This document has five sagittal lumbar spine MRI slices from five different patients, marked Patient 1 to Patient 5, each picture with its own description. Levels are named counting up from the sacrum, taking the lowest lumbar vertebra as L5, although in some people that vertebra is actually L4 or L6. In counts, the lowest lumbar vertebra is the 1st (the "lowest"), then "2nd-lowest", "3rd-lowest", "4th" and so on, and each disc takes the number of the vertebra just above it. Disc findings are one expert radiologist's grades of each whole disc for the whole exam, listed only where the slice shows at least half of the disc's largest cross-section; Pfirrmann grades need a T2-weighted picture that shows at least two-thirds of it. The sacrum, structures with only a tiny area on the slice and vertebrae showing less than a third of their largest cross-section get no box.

Patient 1 of 5:
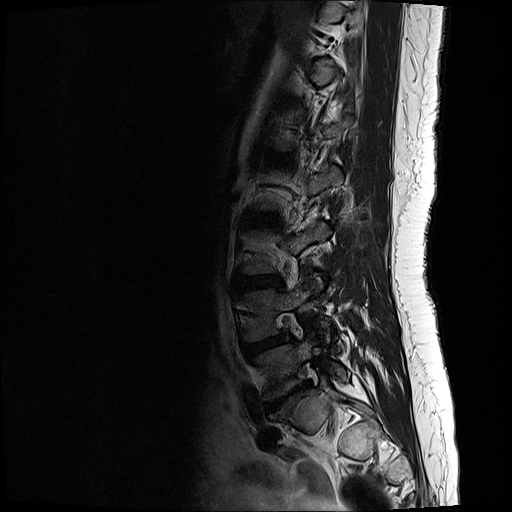 Patient sex: F. Field of view 300x300 mm. Slice 16 of 17. MRI lumbar spine (T2-weighted), sagittal plane.
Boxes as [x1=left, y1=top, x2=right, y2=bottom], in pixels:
{"IVD L3/L4": "[x1=238, y1=275, x2=278, y2=285]", "IVD L5/S1": "[x1=266, y1=383, x2=307, y2=410]", "L5 vertebra": "[x1=259, y1=341, x2=346, y2=399]", "L4/L5": "[x1=245, y1=334, x2=285, y2=355]", "IVD L2/L3": "[x1=253, y1=214, x2=273, y2=221]"}

Patient 2 of 5:
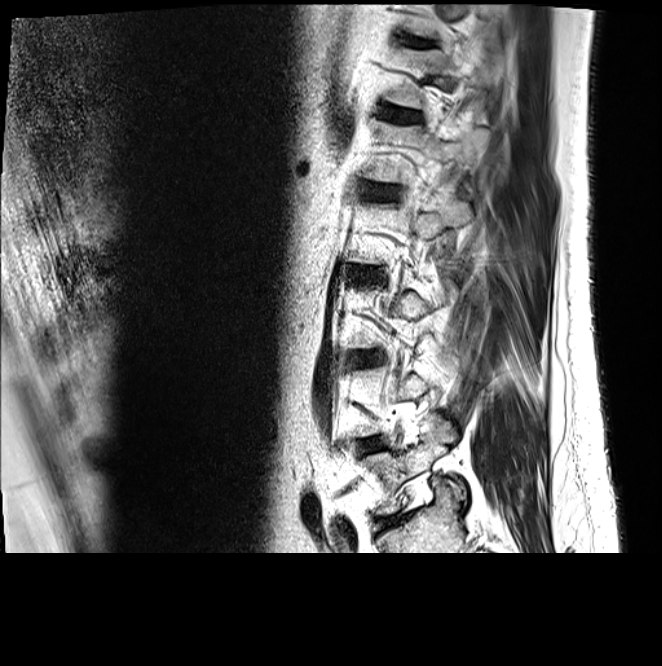 MRI lumbar spine (T2-weighted), sagittal plane, Image 662x666, Slice 18/21
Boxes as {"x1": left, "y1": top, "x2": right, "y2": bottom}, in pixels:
L3/L4: {"x1": 347, "y1": 352, "x2": 382, "y2": 365}.
Intervertebral disc L4/L5: {"x1": 358, "y1": 436, "x2": 387, "y2": 451}.
Intervertebral disc L2/L3: {"x1": 349, "y1": 267, "x2": 381, "y2": 280}.
L1 vertebra: {"x1": 362, "y1": 118, "x2": 488, "y2": 182}.
L5 vertebra: {"x1": 361, "y1": 414, "x2": 467, "y2": 516}.
T11/T12: {"x1": 402, "y1": 34, "x2": 434, "y2": 47}.
T12/L1: {"x1": 379, "y1": 104, "x2": 421, "y2": 121}.
Intervertebral disc L5/S1: {"x1": 380, "y1": 514, "x2": 405, "y2": 530}.
L1/L2: {"x1": 362, "y1": 185, "x2": 395, "y2": 199}.

Radiological gradings:
• T12/L1: no Modic or endplate change, herniation, narrowing, bulging or spondylolisthesis recorded

Patient 3 of 5:
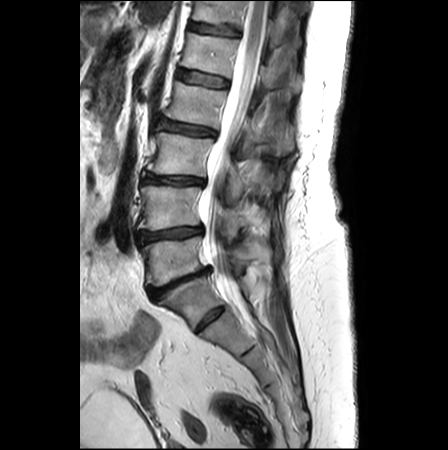
Image 448x450, Sex F, T2-weighted sagittal MRI of the lumbar spine
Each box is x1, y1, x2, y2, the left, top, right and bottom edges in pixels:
Spinal canal = 201, 1, 268, 302.
IVD L1/L2 = 178, 69, 228, 87.
L4 = 139, 186, 243, 242.
IVD L4/L5 = 137, 226, 202, 243.
IVD T12/L1 = 190, 22, 238, 35.
L2/L3 = 157, 117, 215, 136.
L3 = 147, 133, 246, 204.
T12 = 193, 1, 297, 47.
L5 = 142, 236, 252, 285.
L3/L4 = 143, 174, 203, 183.
L1 vertebra = 181, 33, 300, 97.
IVD L5/S1 = 149, 267, 210, 299.
L2 vertebra = 165, 82, 293, 157.

Degenerative findings by level:
• L5/S1: Pfirrmann grade 5, Modic type II, disc bulging, disc narrowing, upper-endplate change, lower-endplate change
• L4/L5: Pfirrmann grade 3, disc bulging, lower-endplate change, upper-endplate change, disc narrowing, Modic type II
• T12/L1: Pfirrmann grade 2, lower-endplate change
• L1/L2: Pfirrmann grade 1
• L3/L4: Pfirrmann grade 3, lower-endplate change, Modic type II, upper-endplate change, disc bulging, disc narrowing
• L2/L3: Pfirrmann grade 2, lower-endplate change, disc bulging, Modic type II, disc narrowing, upper-endplate change

Patient 4 of 5:
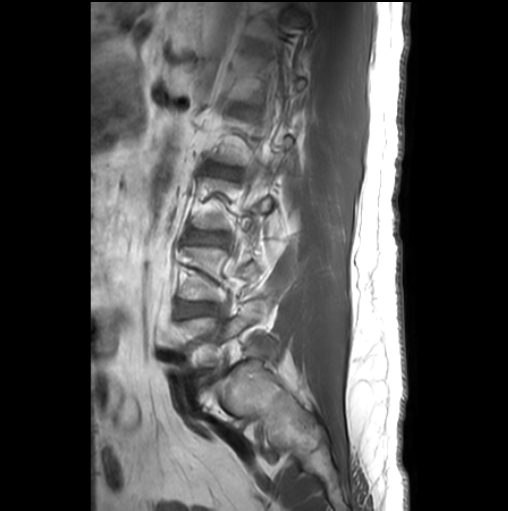
Sagittal slice index 20, Field of view 280x281 mm, Sagittal T1-weighted lumbar spine MRI
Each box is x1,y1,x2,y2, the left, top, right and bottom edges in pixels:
L2/L3 (4th disc) — 207,165,240,176.
L3/L4 (3rd-lowest disc) — 188,231,225,243.
L4/L5 (2nd-lowest disc) — 179,302,212,316.
L5 (lowest vertebra) — 180,299,268,366.

Patient 5 of 5:
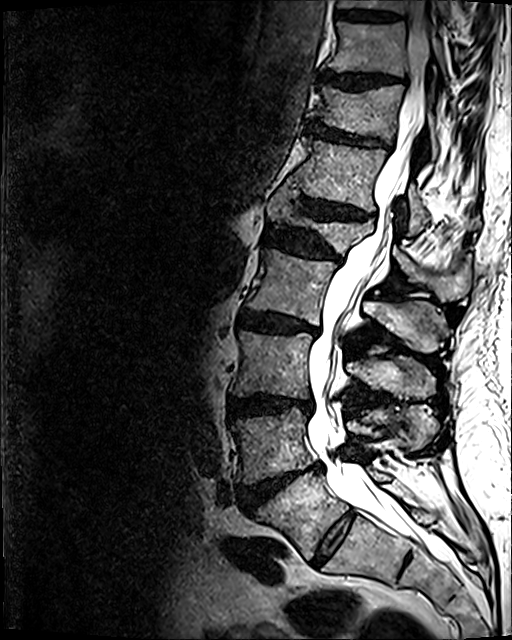
Sagittal T2 SPACE (3D) lumbar spine MRI; Image 512x640

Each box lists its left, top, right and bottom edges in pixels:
Segmented structures:
- T12/L1 — left=298, top=197, right=371, bottom=219
- T10/T11 — left=318, top=71, right=400, bottom=88
- L3 — left=230, top=332, right=434, bottom=398
- T11 — left=308, top=84, right=438, bottom=157
- T12 vertebra — left=288, top=137, right=479, bottom=235
- T11/T12 — left=306, top=121, right=386, bottom=146
- L4 vertebra — left=232, top=406, right=437, bottom=483
- T9/T10 — left=336, top=10, right=397, bottom=21
- L1/L2 — left=265, top=226, right=341, bottom=262
- L2 — left=247, top=249, right=451, bottom=353
- L4/L5 — left=241, top=463, right=322, bottom=510
- L5/S1 — left=312, top=510, right=356, bottom=566
- T10 vertebra — left=324, top=22, right=449, bottom=87
- L5 vertebra — left=258, top=468, right=391, bottom=558
- L1 — left=267, top=186, right=471, bottom=302
- disc L3/L4 — left=229, top=394, right=312, bottom=416
- spinal canal — left=307, top=0, right=452, bottom=561
- L2/L3 — left=239, top=311, right=318, bottom=334

Per-level radiological findings:
- L4/L5: Pfirrmann grade 5, Modic type II, disc narrowing, disc herniation, upper-endplate change, disc bulging, lower-endplate change
- T12/L1: Pfirrmann grade 4, disc narrowing, lower-endplate change, upper-endplate change, disc bulging
- T9/T10: Pfirrmann grade 3, lower-endplate change
- T10/T11: Pfirrmann grade 4, disc bulging, upper-endplate change, lower-endplate change
- T11/T12: Pfirrmann grade 4, lower-endplate change, disc bulging, upper-endplate change, disc narrowing
- L2/L3: Pfirrmann grade 4, Modic type II, disc bulging, lower-endplate change, upper-endplate change, disc narrowing
- L5/S1: Pfirrmann grade 2
- L3/L4: Pfirrmann grade 4, lower-endplate change, upper-endplate change, disc bulging, disc narrowing
- L1/L2: Pfirrmann grade 4, disc narrowing, upper-endplate change, lower-endplate change, disc bulging